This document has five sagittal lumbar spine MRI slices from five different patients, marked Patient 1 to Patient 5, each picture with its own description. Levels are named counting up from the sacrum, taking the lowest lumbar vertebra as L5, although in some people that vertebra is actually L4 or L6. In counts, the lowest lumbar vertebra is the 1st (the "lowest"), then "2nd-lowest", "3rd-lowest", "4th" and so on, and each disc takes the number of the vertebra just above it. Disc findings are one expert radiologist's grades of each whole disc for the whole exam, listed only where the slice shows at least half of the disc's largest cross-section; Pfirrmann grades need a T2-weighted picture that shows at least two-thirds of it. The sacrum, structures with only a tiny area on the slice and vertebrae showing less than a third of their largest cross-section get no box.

Patient 1 of 5:
Slice spacing 0.9 mm; T2 SPACE (3D) sagittal MRI of the lumbar spine; Slice 89/120

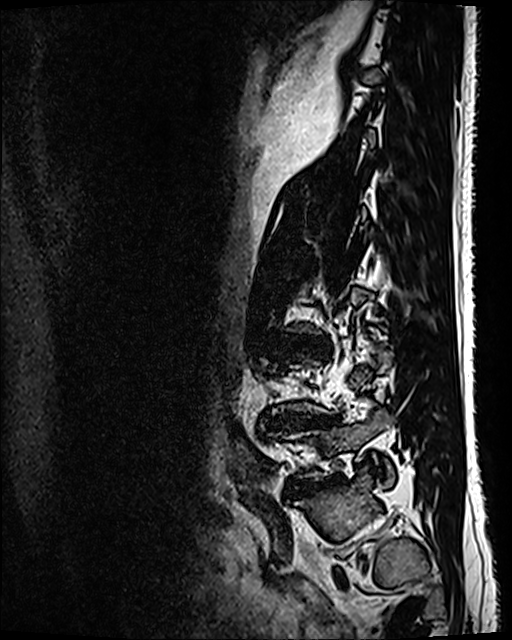 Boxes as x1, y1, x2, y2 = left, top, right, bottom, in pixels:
{"IVD L3/L4 (3rd-lowest disc)": "280, 335, 327, 352", "L5/S1 (lowest disc)": "292, 475, 343, 493", "L5 (lowest vertebra)": "271, 408, 395, 483", "L4/L5 (2nd-lowest disc)": "276, 415, 329, 423"}

Patient 2 of 5:
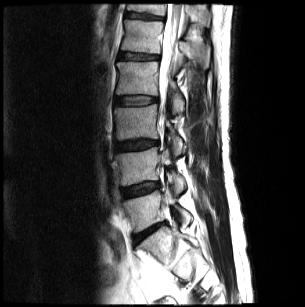 Image 305x307, Sex M, MRI lumbar spine (T2-weighted), sagittal plane, Sagittal slice index 9
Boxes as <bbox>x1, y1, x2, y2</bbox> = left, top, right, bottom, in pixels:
Thecal sac / spinal canal at <bbox>158, 4, 182, 123</bbox>, L2 vertebra at <bbox>117, 62, 184, 112</bbox>, L3 at <bbox>114, 104, 184, 155</bbox>, L1 at <bbox>121, 19, 192, 62</bbox>, L5 at <bbox>124, 188, 191, 232</bbox>, L3/L4 at <bbox>115, 141, 157, 151</bbox>, intervertebral disc T12/L1 at <bbox>126, 13, 163, 19</bbox>, intervertebral disc L2/L3 at <bbox>115, 96, 156, 103</bbox>, T12 vertebra at <bbox>127, 4, 209, 26</bbox>, L4/L5 at <bbox>121, 183, 158, 196</bbox>, L5/S1 at <bbox>134, 223, 162, 239</bbox>, intervertebral disc L1/L2 at <bbox>119, 53, 157, 60</bbox>, L4 vertebra at <bbox>115, 147, 185, 192</bbox>.

Degenerative findings by level:
- L4/L5: Pfirrmann grade 2, disc bulging
- L1/L2: Pfirrmann grade 2, lower-endplate change, upper-endplate change, Modic type II
- L3/L4: Pfirrmann grade 3, upper-endplate change, disc bulging
- L5/S1: disc herniation, disc narrowing, Modic type II, disc bulging
- T12/L1: Pfirrmann grade 3, lower-endplate change, upper-endplate change
- L2/L3: Pfirrmann grade 2, Modic type II

Patient 3 of 5:
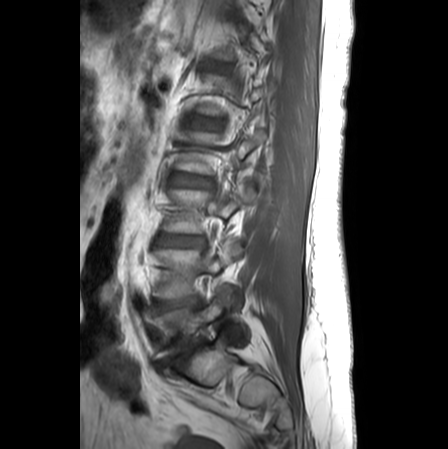

Sagittal T1-weighted lumbar spine MRI, Slice 19 of 24

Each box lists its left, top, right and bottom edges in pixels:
Lowest disc at left=158, top=342, right=202, bottom=367; 2nd-lowest vertebra at left=154, top=242, right=242, bottom=297; 2nd-lowest disc at left=155, top=297, right=200, bottom=310; 4th vertebra at left=176, top=130, right=266, bottom=174; 5th disc at left=196, top=117, right=221, bottom=129; 4th disc at left=172, top=174, right=211, bottom=186; 3rd-lowest disc at left=156, top=235, right=205, bottom=246; 3rd-lowest vertebra at left=162, top=182, right=254, bottom=233; lowest vertebra at left=155, top=285, right=247, bottom=358.

Expert MSK radiologist gradings (per disc):
- 3rd-lowest disc: disc bulging
- 4th disc: disc bulging

Patient 4 of 5:
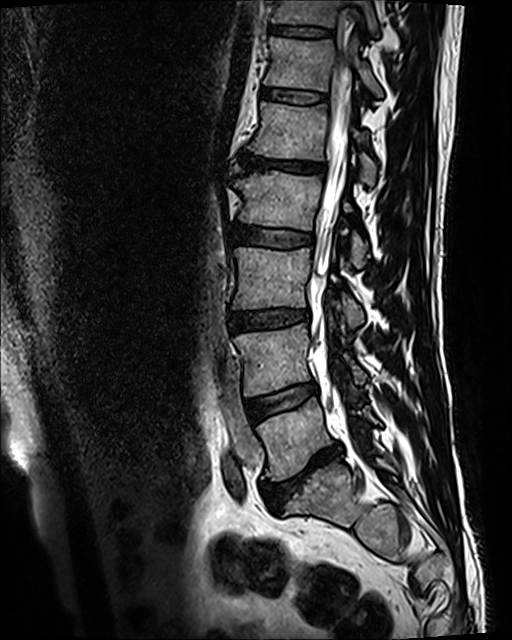 Sagittal T2 SPACE (3D) lumbar spine MRI, Patient sex: M, 512x640 px

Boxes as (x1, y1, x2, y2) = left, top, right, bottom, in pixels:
Intervertebral disc L4/L5 (2nd-lowest disc) = (245, 383, 316, 419).
T12 (6th vertebra) = (264, 37, 382, 96).
Intervertebral disc L5/S1 (lowest disc) = (261, 443, 343, 509).
Intervertebral disc L3/L4 (3rd-lowest disc) = (228, 309, 310, 331).
L3 (3rd-lowest vertebra) = (233, 247, 363, 327).
L2 (4th vertebra) = (234, 170, 368, 266).
T11 (7th vertebra) = (272, 0, 377, 32).
L4 (2nd-lowest vertebra) = (235, 316, 366, 396).
L1/L2 (5th disc) = (239, 152, 325, 175).
T12/L1 (6th disc) = (261, 86, 327, 103).
Spinal canal = (314, 47, 352, 402).
L1 (5th vertebra) = (248, 101, 376, 186).
Intervertebral disc T11/T12 (7th disc) = (270, 28, 332, 36).
Intervertebral disc L2/L3 (4th disc) = (231, 222, 314, 247).
L5 (lowest vertebra) = (257, 398, 377, 481).

Degenerative findings by level:
  T12/L1 (6th disc): Pfirrmann grade 3
  T11/T12 (7th disc): Pfirrmann grade 3, lower-endplate change, upper-endplate change
  L2/L3 (4th disc): Pfirrmann grade 3
  L4/L5 (2nd-lowest disc): Pfirrmann grade 3, Modic type II
  L1/L2 (5th disc): Pfirrmann grade 5, Modic type II, lower-endplate change, disc bulging, disc narrowing, upper-endplate change
  L3/L4 (3rd-lowest disc): Pfirrmann grade 3, upper-endplate change, lower-endplate change, disc bulging
  L5/S1 (lowest disc): Pfirrmann grade 5, disc bulging, disc narrowing, lower-endplate change, Modic type II, upper-endplate change

Patient 5 of 5:
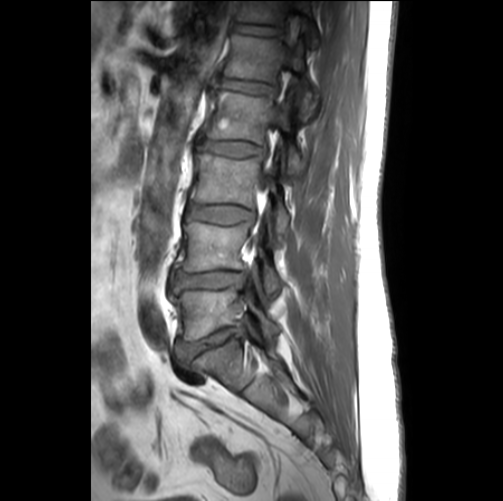
Image 503x501; Sagittal T1-weighted lumbar spine MRI

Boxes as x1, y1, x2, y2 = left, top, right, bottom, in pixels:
- L2 (4th vertebra): 205, 90, 303, 174
- L3 (3rd-lowest vertebra): 192, 150, 290, 232
- L5 (lowest vertebra): 172, 270, 280, 340
- L1 (5th vertebra): 222, 34, 321, 120
- intervertebral disc L1/L2 (5th disc): 218, 77, 274, 93
- intervertebral disc L2/L3 (4th disc): 199, 139, 265, 156
- T12 (6th vertebra): 238, 1, 318, 45
- intervertebral disc L5/S1 (lowest disc): 176, 328, 245, 363
- L4/L5 (2nd-lowest disc): 171, 270, 247, 293
- L4 (2nd-lowest vertebra): 177, 222, 282, 296
- L3/L4 (3rd-lowest disc): 188, 204, 254, 223
- intervertebral disc T12/L1 (6th disc): 234, 22, 281, 35

Per-level radiological findings:
  L4/L5 (2nd-lowest disc): disc narrowing, disc bulging, lower-endplate change, upper-endplate change, Modic type II
  L5/S1 (lowest disc): disc narrowing, disc bulging
  L1/L2 (5th disc), L3/L4 (3rd-lowest disc), T12/L1 (6th disc), L2/L3 (4th disc): no herniation, bulging, narrowing, spondylolisthesis, endplate or Modic change recorded